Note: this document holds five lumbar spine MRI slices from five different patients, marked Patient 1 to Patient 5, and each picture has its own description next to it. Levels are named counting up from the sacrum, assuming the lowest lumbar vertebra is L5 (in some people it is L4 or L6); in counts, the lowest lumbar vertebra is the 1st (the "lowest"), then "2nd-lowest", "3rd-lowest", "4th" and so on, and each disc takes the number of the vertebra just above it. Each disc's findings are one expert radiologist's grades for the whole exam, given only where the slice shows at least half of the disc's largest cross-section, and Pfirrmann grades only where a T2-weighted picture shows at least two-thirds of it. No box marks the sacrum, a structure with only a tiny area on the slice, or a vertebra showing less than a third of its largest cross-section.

Patient 1 of 5:
Sagittal T2-weighted lumbar spine MRI, Patient sex: M, 512x512 px

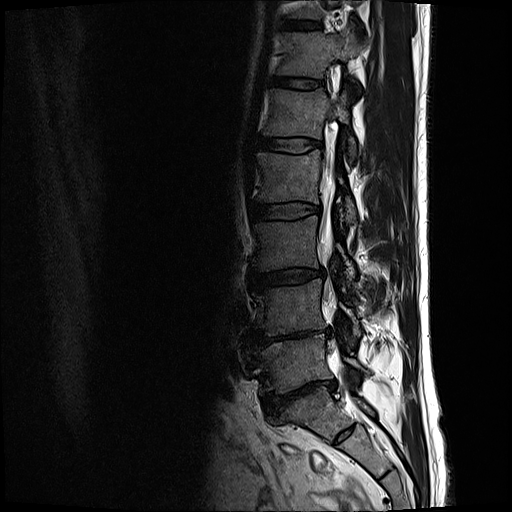
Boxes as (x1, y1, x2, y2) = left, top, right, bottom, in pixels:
{"L4": "(254, 279, 361, 337)", "T11/T12": "(282, 21, 323, 31)", "spinal canal": "(318, 151, 337, 352)", "L4/L5": "(250, 330, 320, 342)", "intervertebral disc T12/L1": "(273, 76, 324, 88)", "L5 vertebra": "(258, 335, 368, 395)", "L3/L4": "(250, 268, 323, 287)", "T12 vertebra": "(277, 32, 364, 76)", "L1 vertebra": "(264, 88, 355, 153)", "L1/L2": "(258, 137, 322, 152)", "L3 vertebra": "(253, 215, 355, 280)", "L2": "(258, 150, 356, 223)", "L5/S1": "(263, 379, 336, 417)", "L2/L3": "(252, 203, 319, 220)"}

Degenerative findings by level:
- L3/L4: Pfirrmann grade 3, disc narrowing, disc bulging
- T12/L1: Pfirrmann grade 2
- L5/S1: Pfirrmann grade 5, spondylolisthesis, disc bulging, disc narrowing, lower-endplate change
- L1/L2: Pfirrmann grade 2
- L2/L3: Pfirrmann grade 2
- T11/T12: no Modic or endplate change, herniation, narrowing, bulging or spondylolisthesis recorded

Patient 2 of 5:
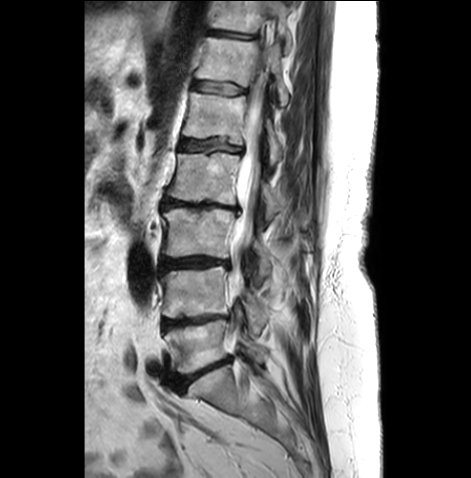

Sagittal T2-weighted lumbar spine MRI. Image 471x478. Sex F.
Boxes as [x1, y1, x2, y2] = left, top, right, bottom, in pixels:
T12 (6th vertebra): [196, 37, 288, 106] | T11 (7th vertebra): [211, 1, 290, 48] | L1 (5th vertebra): [183, 92, 285, 171] | L3 (3rd-lowest vertebra): [162, 208, 270, 284] | disc L2/L3 (4th disc): [163, 198, 239, 213] | L2 (4th vertebra): [167, 153, 310, 228] | L4/L5 (2nd-lowest disc): [162, 315, 222, 330] | T12/L1 (6th disc): [193, 82, 243, 95] | L5/S1 (lowest disc): [177, 358, 231, 392] | disc T11/T12 (7th disc): [207, 30, 256, 38] | L3/L4 (3rd-lowest disc): [159, 257, 229, 270] | disc L1/L2 (5th disc): [181, 140, 238, 152] | L5 (lowest vertebra): [165, 319, 266, 373] | L4 (2nd-lowest vertebra): [160, 265, 269, 334] | thecal sac / spinal canal: [228, 69, 268, 298]

Degenerative findings by level:
  L2/L3 (4th disc): disc bulging, Modic type II, disc narrowing, upper-endplate change, lower-endplate change
  L1/L2 (5th disc): Pfirrmann grade 3, upper-endplate change, disc bulging, lower-endplate change, Modic type II
  L4/L5 (2nd-lowest disc): disc bulging, lower-endplate change, Modic type II, upper-endplate change, disc narrowing
  T12/L1 (6th disc): Pfirrmann grade 3, upper-endplate change, lower-endplate change, disc bulging
  T11/T12 (7th disc): Pfirrmann grade 3, disc bulging, lower-endplate change, upper-endplate change
  L3/L4 (3rd-lowest disc): Pfirrmann grade 4, Modic type II, disc bulging, disc narrowing
  L5/S1 (lowest disc): Pfirrmann grade 4, Modic type II, disc bulging, disc narrowing

Patient 3 of 5:
Sagittal T2-weighted lumbar spine MRI
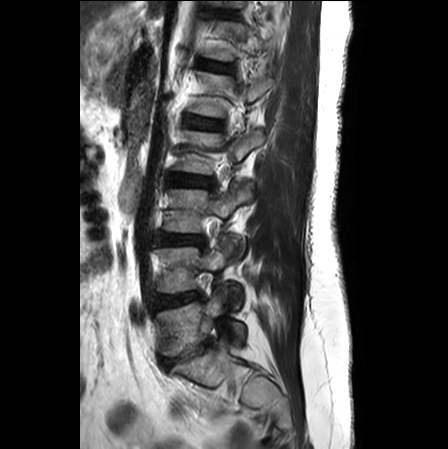 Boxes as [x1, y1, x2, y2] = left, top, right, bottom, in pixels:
L5 vertebra = [157, 289, 245, 356] | intervertebral disc L5/S1 = [163, 339, 211, 367] | L3/L4 = [161, 235, 203, 244] | L2 vertebra = [178, 130, 264, 173] | intervertebral disc L1/L2 = [190, 116, 220, 129] | intervertebral disc T12/L1 = [200, 61, 230, 71] | L4 vertebra = [156, 237, 242, 307] | intervertebral disc L2/L3 = [172, 175, 213, 186] | L1 = [192, 72, 273, 116] | intervertebral disc L4/L5 = [156, 292, 200, 307] | L3 = [165, 182, 252, 255]

Expert MSK radiologist gradings (per disc):
• L4/L5: disc bulging, disc narrowing
• L3/L4: disc bulging
• L2/L3: disc bulging
• L1/L2: no spondylolisthesis, narrowing, bulging, herniation, Modic or endplate change recorded

Patient 4 of 5:
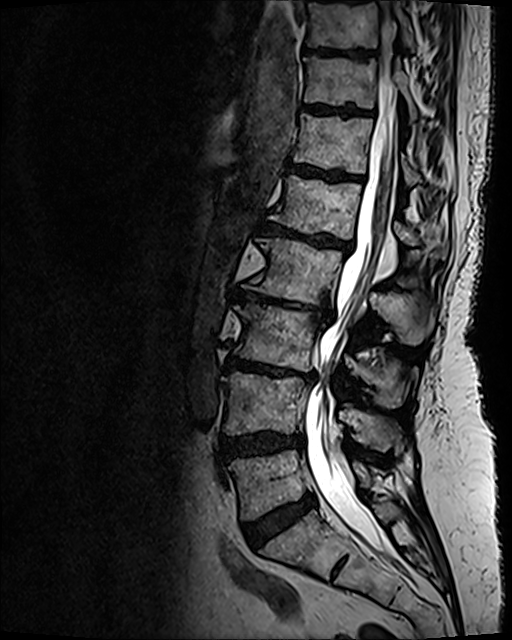 Slice 59/120. Sagittal T2 SPACE (3D) lumbar spine MRI.
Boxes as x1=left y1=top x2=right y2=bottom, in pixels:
IVD T10/T11 at x1=305 y1=49 x2=371 y2=56.
T12/L1 at x1=289 y1=165 x2=362 y2=180.
T11 vertebra at x1=303 y1=57 x2=416 y2=120.
T12 at x1=293 y1=113 x2=420 y2=185.
L4 vertebra at x1=222 y1=372 x2=398 y2=450.
L1 vertebra at x1=269 y1=175 x2=442 y2=254.
Spinal canal at x1=305 y1=0 x2=397 y2=560.
L5 vertebra at x1=228 y1=449 x2=371 y2=519.
IVD T11/T12 at x1=305 y1=106 x2=371 y2=114.
L5/S1 at x1=243 y1=495 x2=315 y2=547.
L1/L2 at x1=260 y1=223 x2=351 y2=251.
IVD L2/L3 at x1=236 y1=290 x2=332 y2=324.
L2 at x1=251 y1=238 x2=435 y2=344.
L4/L5 at x1=220 y1=432 x2=303 y2=458.
T10 vertebra at x1=307 y1=0 x2=413 y2=49.
L3 vertebra at x1=235 y1=304 x2=406 y2=407.
L3/L4 at x1=225 y1=357 x2=315 y2=381.

Radiological gradings:
• L2/L3: lower-endplate change, Modic type II, disc narrowing, upper-endplate change, disc bulging
• T10/T11: Pfirrmann grade 4, lower-endplate change, upper-endplate change
• L4/L5: Pfirrmann grade 4, lower-endplate change, upper-endplate change, disc bulging
• L1/L2: Pfirrmann grade 5, disc narrowing, upper-endplate change, lower-endplate change, Modic type II, disc bulging
• L3/L4: lower-endplate change, disc narrowing, Modic type II, disc bulging, upper-endplate change
• T11/T12: Pfirrmann grade 4, lower-endplate change, upper-endplate change
• L5/S1: Pfirrmann grade 4, disc bulging
• T12/L1: Pfirrmann grade 4, lower-endplate change, upper-endplate change, Modic type II

Patient 5 of 5:
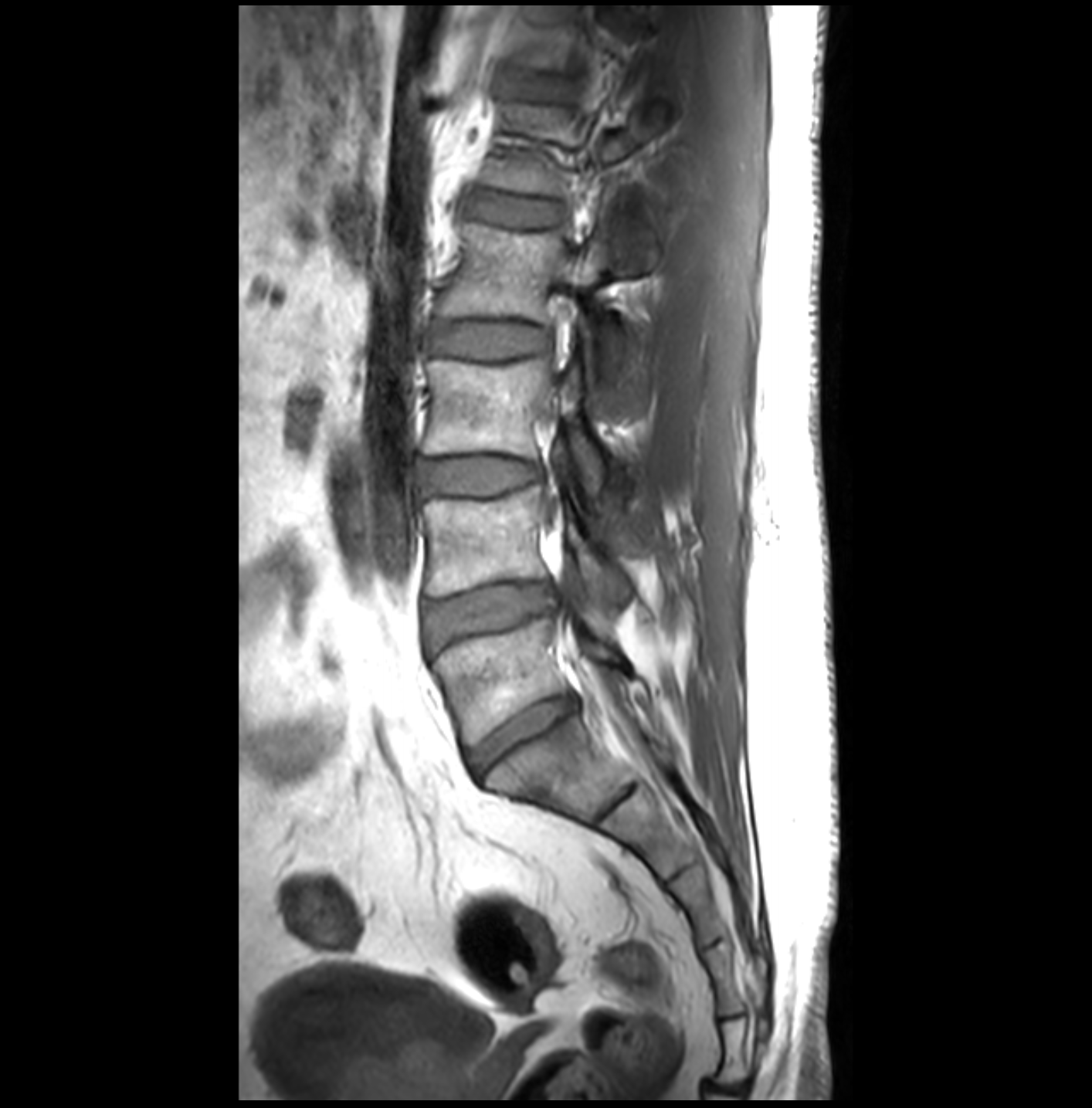

Field of view 320x325 mm, Slice 15 of 32, Sagittal T1-weighted lumbar spine MRI

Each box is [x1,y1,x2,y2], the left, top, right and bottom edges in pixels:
{"disc L4/L5": "[426,582,550,648]", "L2/L3": "[430,322,548,356]", "T12/L1": "[529,87,550,98]", "L2": "[439,223,640,409]", "L4 vertebra": "[423,486,629,598]", "L3 vertebra": "[423,358,602,493]", "disc L3/L4": "[418,459,540,496]", "disc L5/S1": "[467,695,578,774]", "thecal sac / spinal canal": "[558,505,596,669]", "L1/L2": "[466,192,562,226]", "L5 vertebra": "[433,617,620,745]"}

Per-level radiological findings:
  L4/L5: disc herniation
  L1/L2, L5/S1, L2/L3, L3/L4: no herniation, bulging, narrowing, spondylolisthesis, endplate or Modic change recorded